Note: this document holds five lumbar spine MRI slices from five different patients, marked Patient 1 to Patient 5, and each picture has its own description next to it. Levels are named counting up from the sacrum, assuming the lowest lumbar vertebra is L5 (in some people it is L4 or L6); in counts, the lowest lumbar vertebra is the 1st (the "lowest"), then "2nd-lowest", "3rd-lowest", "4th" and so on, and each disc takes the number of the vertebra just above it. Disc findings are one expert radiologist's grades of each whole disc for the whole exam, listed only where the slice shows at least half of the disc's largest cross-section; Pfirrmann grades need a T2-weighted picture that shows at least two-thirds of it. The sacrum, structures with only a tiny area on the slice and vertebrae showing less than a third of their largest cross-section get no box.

Patient 1 of 5:
595x604 px, SIEMENS Aera (1.5T), Patient sex: M, Sagittal slice index 8, T1-weighted sagittal MRI of the lumbar spine, Field of view 280x284 mm, slice spacing 4.9 mm 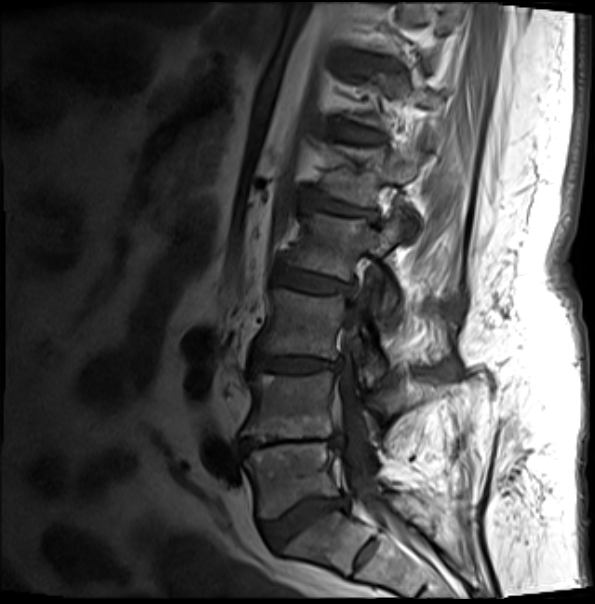 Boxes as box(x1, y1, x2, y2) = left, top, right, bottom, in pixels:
- disc L5/S1: box(260, 497, 345, 550)
- L4/L5: box(240, 434, 341, 454)
- disc L3/L4: box(251, 354, 339, 372)
- L2: box(283, 210, 405, 316)
- T12/L1: box(333, 126, 379, 143)
- L1/L2: box(303, 192, 373, 217)
- L5 vertebra: box(244, 442, 442, 522)
- disc L2/L3: box(274, 269, 349, 292)
- L3 vertebra: box(255, 289, 384, 384)
- L1: box(322, 145, 427, 235)
- thecal sac / spinal canal: box(335, 305, 425, 555)
- L4 vertebra: box(242, 372, 386, 442)

Expert MSK radiologist gradings (per disc):
• L4/L5: disc bulging, Modic type II, lower-endplate change, upper-endplate change, disc narrowing
• L1/L2: disc bulging, upper-endplate change, lower-endplate change, Modic type II
• L2/L3: lower-endplate change, upper-endplate change, disc bulging, Modic type II
• T12/L1: upper-endplate change, lower-endplate change, Modic type II
• L3/L4: lower-endplate change, disc bulging, disc narrowing, Modic type II, upper-endplate change
• L5/S1: disc narrowing, Modic type II, disc bulging, lower-endplate change, upper-endplate change

Patient 2 of 5:
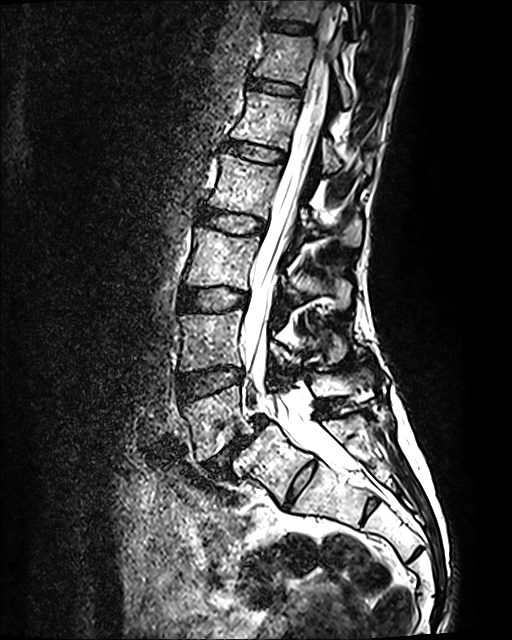 Slice 68 of 120 | 512x640 px | T2 SPACE (3D) sagittal MRI of the lumbar spine
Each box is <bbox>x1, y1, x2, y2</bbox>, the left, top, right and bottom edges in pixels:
Segmented structures:
- lowest vertebra = <bbox>183, 371, 373, 461</bbox>
- thecal sac / spinal canal = <bbox>241, 1, 351, 469</bbox>
- 2nd-lowest vertebra = <bbox>179, 309, 339, 371</bbox>
- 5th disc = <bbox>226, 141, 284, 162</bbox>
- 4th vertebra = <bbox>208, 153, 363, 245</bbox>
- 3rd-lowest disc = <bbox>179, 288, 247, 310</bbox>
- 6th disc = <bbox>249, 79, 299, 94</bbox>
- 3rd-lowest vertebra = <bbox>184, 228, 350, 308</bbox>
- 7th disc = <bbox>266, 20, 314, 32</bbox>
- 5th vertebra = <bbox>230, 91, 372, 173</bbox>
- 4th disc = <bbox>200, 209, 264, 233</bbox>
- 7th vertebra = <bbox>271, 0, 356, 36</bbox>
- 2nd-lowest disc = <bbox>178, 367, 242, 401</bbox>
- lowest disc = <bbox>203, 416, 268, 475</bbox>
- 6th vertebra = <bbox>253, 32, 354, 106</bbox>

Expert MSK radiologist gradings (per disc):
• lowest disc: Pfirrmann grade 5, disc bulging, Modic type II, spondylolisthesis, disc narrowing
• 6th disc: Pfirrmann grade 2
• 7th disc: Pfirrmann grade 2
• 2nd-lowest disc: Pfirrmann grade 2
• 3rd-lowest disc: Pfirrmann grade 2
• 5th disc: Pfirrmann grade 2
• 4th disc: Pfirrmann grade 2

Patient 3 of 5:
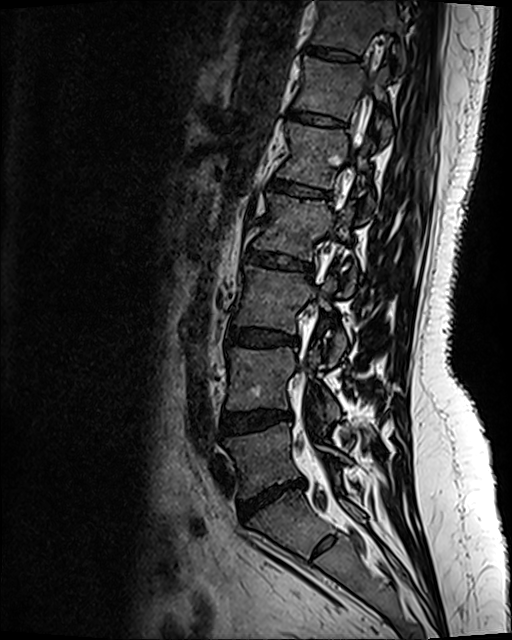
Sagittal T2 SPACE (3D) lumbar spine MRI; Field of view 240x300 mm, slice spacing 0.9 mm; 512x640 px

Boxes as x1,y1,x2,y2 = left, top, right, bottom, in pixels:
Structures:
* disc L1/L2 — 270,181,329,197
* disc L2/L3 — 245,252,313,274
* L3/L4 — 228,330,299,348
* L5 — 226,426,351,497
* T11 — 311,2,405,70
* disc T12/L1 — 287,111,345,128
* disc L4/L5 — 221,411,290,434
* T12 vertebra — 294,58,392,143
* L4 — 227,348,341,420
* disc L5/S1 — 239,482,303,520
* L3 — 234,267,346,365
* spinal canal — 337,139,360,212
* L1 vertebra — 278,123,377,213
* T11/T12 — 304,48,359,64
* L2 — 253,193,355,294

Expert MSK radiologist gradings (per disc):
• T11/T12: Pfirrmann grade 2
• L1/L2: Pfirrmann grade 2, upper-endplate change, lower-endplate change
• L4/L5: disc bulging
• L3/L4: Pfirrmann grade 2, disc bulging
• T12/L1: Pfirrmann grade 2, lower-endplate change, upper-endplate change
• L2/L3: Pfirrmann grade 4, disc bulging, upper-endplate change, lower-endplate change
• L5/S1: disc narrowing, disc herniation, disc bulging

Patient 4 of 5:
MRI lumbar spine (T2 SPACE (3D)), sagittal plane, Sex F

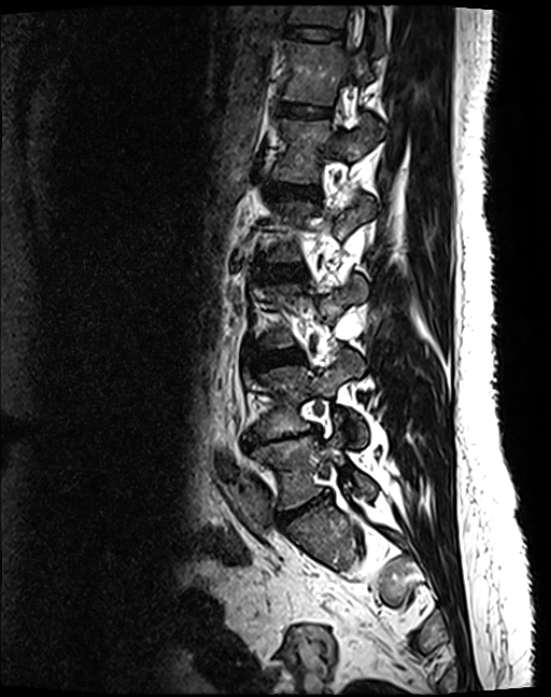
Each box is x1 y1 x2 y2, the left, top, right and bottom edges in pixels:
2nd-lowest disc — 243 426 320 448.
3rd-lowest disc — 250 349 306 368.
Lowest vertebra — 251 429 376 509.
Lowest disc — 277 495 327 526.
4th vertebra — 259 194 371 261.
7th vertebra — 284 5 384 53.
5th vertebra — 268 116 376 181.
6th vertebra — 278 39 370 104.
2nd-lowest vertebra — 244 350 367 447.
3rd-lowest vertebra — 255 274 366 348.
6th disc — 274 102 331 116.
7th disc — 283 26 341 39.
4th disc — 251 265 307 278.
5th disc — 261 181 318 196.

Expert MSK radiologist gradings (per disc):
  6th disc: Pfirrmann grade 2
  7th disc: Pfirrmann grade 2
  5th disc: no herniation, bulging, narrowing, spondylolisthesis, endplate or Modic change recorded

Patient 5 of 5:
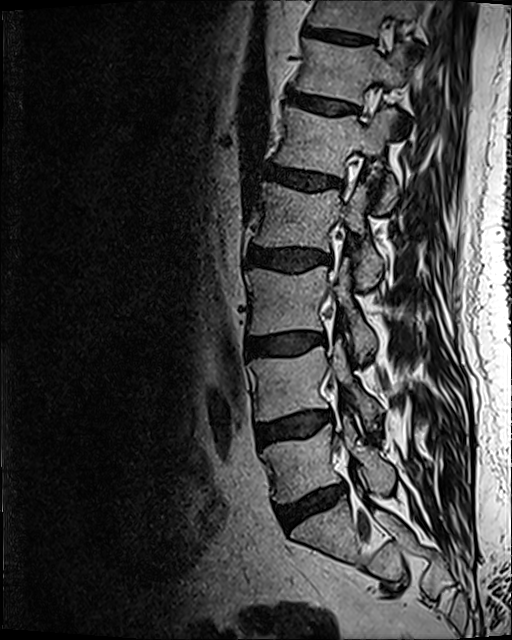 MRI lumbar spine (T2 SPACE (3D)), sagittal plane
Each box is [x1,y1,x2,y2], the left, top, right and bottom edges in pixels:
L5 vertebra at [261,417,394,502], intervertebral disc L2/L3 at [248,247,331,271], L2 vertebra at [254,182,383,287], T12 vertebra at [295,39,412,104], T11 at [308,0,420,38], L4/L5 at [257,412,329,447], T12/L1 at [289,92,355,113], intervertebral disc L1/L2 at [268,164,340,192], L4 vertebra at [251,343,380,420], L5/S1 at [276,487,344,529], T11/T12 at [305,26,373,44], L1 at [275,107,397,212], L3 at [245,263,377,355], intervertebral disc L3/L4 at [246,332,318,355].

Expert MSK radiologist gradings (per disc):
  T11/T12: Pfirrmann grade 3
  L5/S1: Pfirrmann grade 3, disc narrowing, Modic type II, disc bulging
  L1/L2: Pfirrmann grade 3, disc bulging
  L4/L5: Pfirrmann grade 2, disc bulging, Modic type II
  L2/L3: Pfirrmann grade 3, disc bulging
  T12/L1: Pfirrmann grade 2
  L3/L4: Modic type II, disc bulging